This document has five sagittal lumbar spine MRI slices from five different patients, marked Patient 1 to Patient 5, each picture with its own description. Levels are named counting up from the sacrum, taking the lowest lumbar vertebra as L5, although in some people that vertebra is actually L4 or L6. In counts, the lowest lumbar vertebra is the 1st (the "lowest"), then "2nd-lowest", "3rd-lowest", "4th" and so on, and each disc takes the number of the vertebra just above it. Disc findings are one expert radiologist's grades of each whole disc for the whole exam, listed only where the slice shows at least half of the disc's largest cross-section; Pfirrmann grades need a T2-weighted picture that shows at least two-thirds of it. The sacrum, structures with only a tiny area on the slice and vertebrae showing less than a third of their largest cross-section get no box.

Patient 1 of 5:
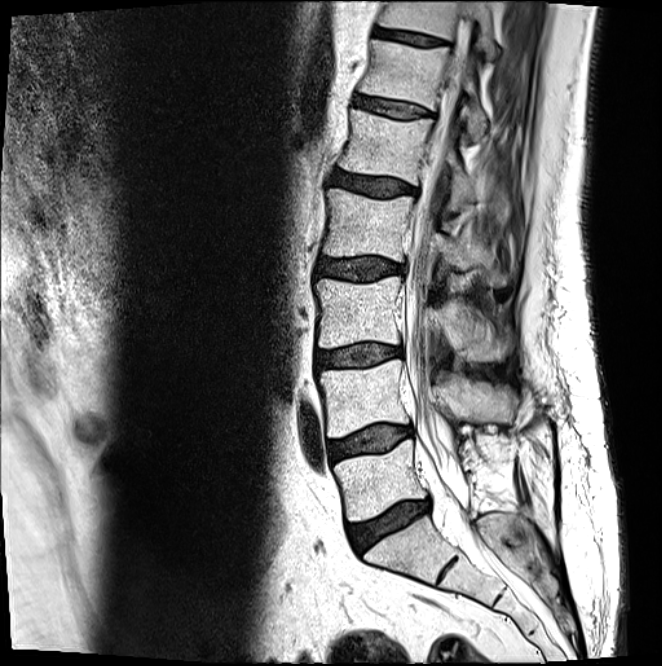 Lumbar spine MR, T2-weighted, sagittal | Slice 9 of 21

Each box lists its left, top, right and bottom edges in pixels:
L4/L5: left=329, top=425, right=413, bottom=461.
T11: left=379, top=1, right=500, bottom=60.
L5/S1: left=348, top=499, right=430, bottom=551.
L1 vertebra: left=340, top=108, right=476, bottom=211.
Disc L1/L2: left=332, top=171, right=415, bottom=196.
L5 vertebra: left=334, top=440, right=481, bottom=521.
Disc L3/L4: left=316, top=343, right=401, bottom=368.
Disc T11/T12: left=374, top=28, right=444, bottom=45.
L2 vertebra: left=323, top=188, right=506, bottom=284.
L4 vertebra: left=319, top=359, right=519, bottom=437.
L2/L3: left=317, top=257, right=404, bottom=280.
L3 vertebra: left=316, top=275, right=507, bottom=361.
Thecal sac / spinal canal: left=405, top=55, right=468, bottom=505.
T12/L1: left=356, top=96, right=430, bottom=118.
T12: left=360, top=39, right=487, bottom=139.

Per-level radiological findings:
  T11/T12: Pfirrmann grade 3
  L5/S1: Pfirrmann grade 3, disc narrowing, disc bulging, Modic type II
  L2/L3: Pfirrmann grade 3, disc bulging
  T12/L1: Pfirrmann grade 2
  L4/L5: Pfirrmann grade 2, Modic type II, disc bulging
  L3/L4: Pfirrmann grade 2, disc bulging, Modic type II
  L1/L2: Pfirrmann grade 3, disc bulging

Patient 2 of 5:
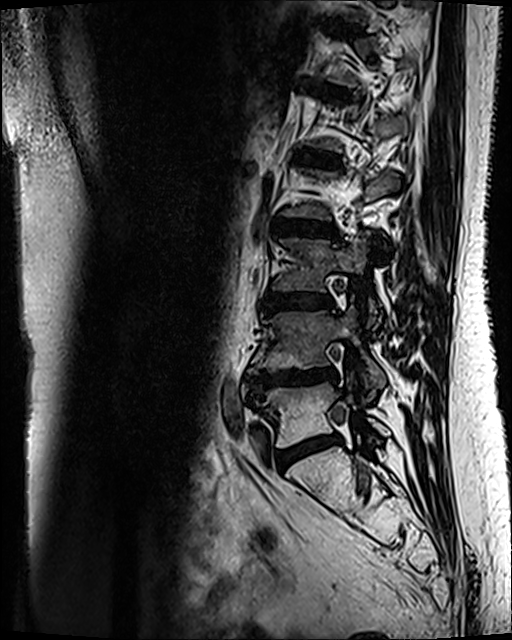

512x640 px, Field of view 240x300 mm, slice spacing 0.9 mm, Sagittal slice index 45, MRI lumbar spine (T2 SPACE (3D)), sagittal plane
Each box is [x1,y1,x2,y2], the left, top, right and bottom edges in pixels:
L5 vertebra: [256,380,390,448] | T12/L1: [316,87,346,95] | L2/L3: [273,217,336,236] | L3: [272,238,381,326] | L4/L5: [247,368,335,395] | L5/S1: [276,435,340,470] | intervertebral disc T11/T12: [326,22,357,32] | L3/L4: [266,295,333,310] | intervertebral disc L1/L2: [301,150,340,165] | L4 vertebra: [251,298,385,399]

Degenerative findings by level:
• L5/S1: disc bulging, Modic type II
• L3/L4: Pfirrmann grade 3, Modic type II, disc bulging
• L4/L5: Pfirrmann grade 4, disc narrowing, lower-endplate change, upper-endplate change, Modic type II, disc bulging
• L2/L3: Pfirrmann grade 3, Modic type II, disc bulging

Patient 3 of 5:
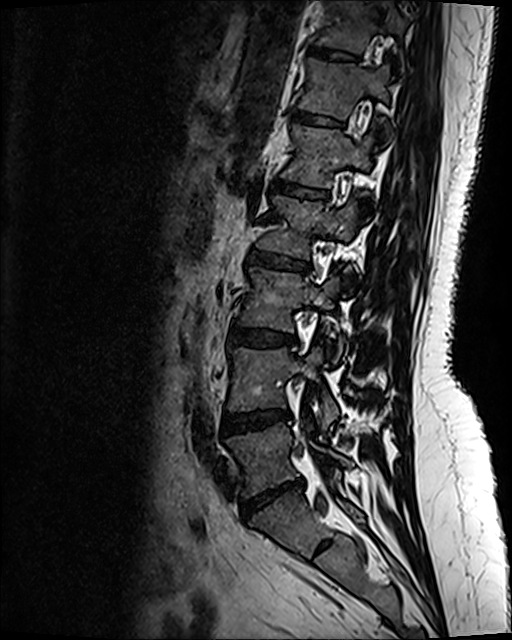 Sex F, Field of view 240x300 mm, slice spacing 0.9 mm, MRI lumbar spine (T2 SPACE (3D)), sagittal plane

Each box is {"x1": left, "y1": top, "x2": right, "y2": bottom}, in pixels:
Segmented structures:
• disc T12/L1 (6th disc) at {"x1": 292, "y1": 113, "x2": 344, "y2": 129}
• T12 (6th vertebra) at {"x1": 298, "y1": 61, "x2": 391, "y2": 139}
• disc L5/S1 (lowest disc) at {"x1": 242, "y1": 482, "x2": 301, "y2": 518}
• L3 (3rd-lowest vertebra) at {"x1": 237, "y1": 268, "x2": 346, "y2": 363}
• L2 (4th vertebra) at {"x1": 256, "y1": 196, "x2": 356, "y2": 258}
• T11 (7th vertebra) at {"x1": 317, "y1": 2, "x2": 404, "y2": 69}
• L4 (2nd-lowest vertebra) at {"x1": 228, "y1": 349, "x2": 338, "y2": 428}
• L1 (5th vertebra) at {"x1": 282, "y1": 124, "x2": 374, "y2": 207}
• L5 (lowest vertebra) at {"x1": 227, "y1": 426, "x2": 352, "y2": 497}
• T11/T12 (7th disc) at {"x1": 308, "y1": 49, "x2": 358, "y2": 64}
• disc L1/L2 (5th disc) at {"x1": 273, "y1": 181, "x2": 327, "y2": 198}
• disc L4/L5 (2nd-lowest disc) at {"x1": 222, "y1": 411, "x2": 289, "y2": 433}
• L3/L4 (3rd-lowest disc) at {"x1": 230, "y1": 330, "x2": 297, "y2": 347}
• disc L2/L3 (4th disc) at {"x1": 248, "y1": 253, "x2": 312, "y2": 272}

Per-level radiological findings:
- L5/S1 (lowest disc): disc bulging, disc herniation, disc narrowing
- T12/L1 (6th disc): Pfirrmann grade 2, upper-endplate change, lower-endplate change
- L2/L3 (4th disc): Pfirrmann grade 4, lower-endplate change, disc bulging, upper-endplate change
- L1/L2 (5th disc): Pfirrmann grade 2, upper-endplate change, lower-endplate change
- L3/L4 (3rd-lowest disc): Pfirrmann grade 2, disc bulging
- L4/L5 (2nd-lowest disc): disc bulging
- T11/T12 (7th disc): Pfirrmann grade 2

Patient 4 of 5:
Slice 99/120. Image 512x640. Scanner: SIEMENS Avanto_fit (1.5T). MRI lumbar spine (T2 SPACE (3D)), sagittal plane. 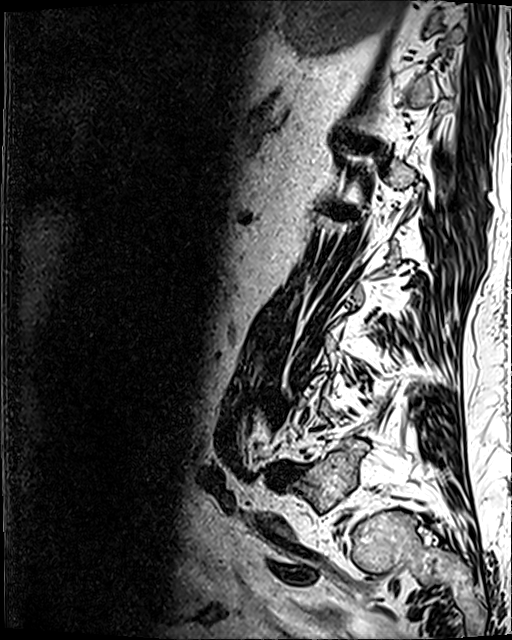

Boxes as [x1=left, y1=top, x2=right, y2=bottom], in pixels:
L5 vertebra: [x1=295, y1=442, x2=363, y2=511].
Intervertebral disc L4/L5: [x1=284, y1=468, x2=299, y2=480].

Patient 5 of 5:
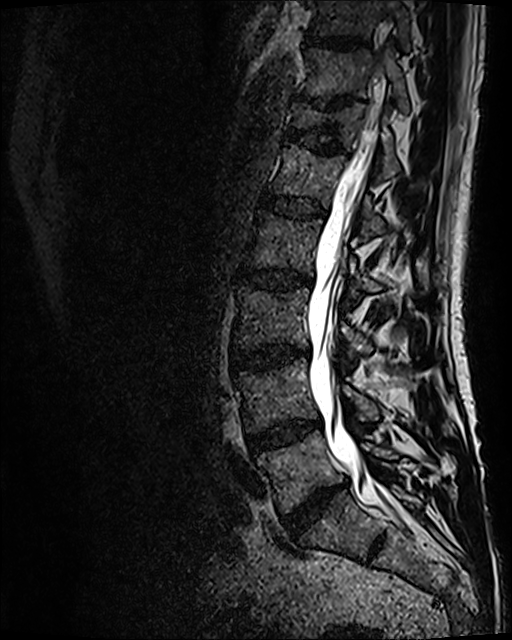 Sagittal T2 SPACE (3D) lumbar spine MRI.
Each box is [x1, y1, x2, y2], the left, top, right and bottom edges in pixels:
{"IVD L2/L3": "[239, 269, 312, 290]", "IVD L1/L2": "[262, 194, 325, 218]", "L5 vertebra": "[257, 431, 398, 513]", "L1 vertebra": "[270, 142, 385, 238]", "T11 vertebra": "[298, 45, 409, 113]", "T12 vertebra": "[291, 102, 400, 179]", "L4 vertebra": "[235, 358, 379, 432]", "L3/L4": "[231, 346, 308, 371]", "spinal canal": "[307, 29, 390, 507]", "T11/T12": "[317, 99, 350, 108]", "T10/T11": "[306, 37, 360, 48]", "L4/L5": "[247, 421, 320, 449]", "L3 vertebra": "[233, 287, 372, 357]", "IVD T12/L1": "[285, 127, 347, 153]", "T10": "[313, 0, 411, 51]", "L5/S1": "[282, 485, 341, 534]", "L2": "[246, 211, 381, 296]"}

Per-level radiological findings:
  T11/T12: lower-endplate change, disc narrowing, upper-endplate change
  L4/L5: Pfirrmann grade 3, Modic type II, disc bulging
  T10/T11: Pfirrmann grade 3
  L5/S1: Pfirrmann grade 4, disc bulging, disc narrowing
  T12/L1: Pfirrmann grade 3, upper-endplate change, lower-endplate change
  L3/L4: Pfirrmann grade 4, disc bulging, disc narrowing, Modic type II
  L2/L3: Pfirrmann grade 3, disc bulging, Modic type II
  L1/L2: Pfirrmann grade 3